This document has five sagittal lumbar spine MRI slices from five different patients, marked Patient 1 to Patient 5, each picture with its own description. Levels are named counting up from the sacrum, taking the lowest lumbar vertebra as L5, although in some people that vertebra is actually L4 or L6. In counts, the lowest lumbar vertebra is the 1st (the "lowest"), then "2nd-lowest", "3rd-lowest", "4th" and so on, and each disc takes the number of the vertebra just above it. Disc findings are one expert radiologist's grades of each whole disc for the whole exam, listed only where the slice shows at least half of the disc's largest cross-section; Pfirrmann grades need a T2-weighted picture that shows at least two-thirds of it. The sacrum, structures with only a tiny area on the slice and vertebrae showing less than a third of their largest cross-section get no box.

Patient 1 of 5:
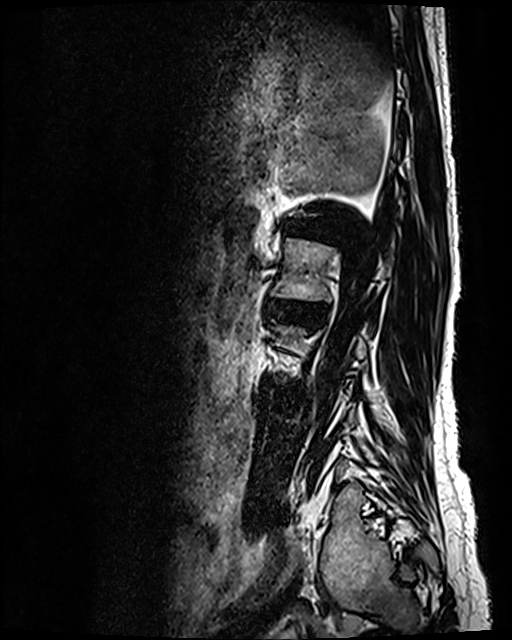 Sagittal T2 SPACE (3D) lumbar spine MRI | Sex F | Image 512x640
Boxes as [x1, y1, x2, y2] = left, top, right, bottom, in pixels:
L1/L2: [287, 222, 332, 239].
L2: [271, 238, 387, 300].
Disc L2/L3: [267, 299, 314, 319].

Per-level radiological findings:
- L1/L2: lower-endplate change, Modic type II, upper-endplate change, disc narrowing, disc bulging
- L2/L3: disc bulging, disc narrowing

Patient 2 of 5:
MRI lumbar spine (T2-weighted), sagittal plane; Slice spacing 4.4 mm

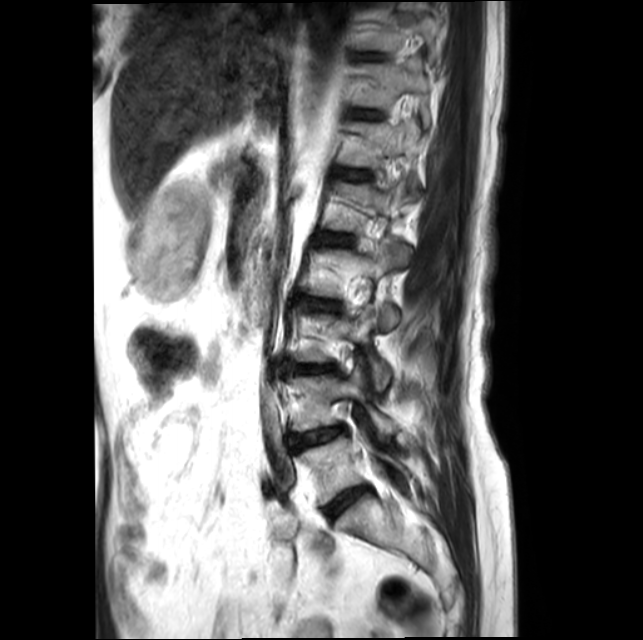
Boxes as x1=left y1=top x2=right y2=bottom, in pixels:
T12 at x1=343 y1=123 x2=420 y2=188, T11 vertebra at x1=355 y1=63 x2=430 y2=126, L1/L2 at x1=321 y1=233 x2=354 y2=244, IVD L5/S1 at x1=327 y1=487 x2=367 y2=516, L4 vertebra at x1=291 y1=364 x2=396 y2=436, L5 at x1=301 y1=431 x2=410 y2=505, IVD L3/L4 at x1=293 y1=365 x2=334 y2=373, IVD T12/L1 at x1=345 y1=170 x2=369 y2=178, T10 vertebra at x1=365 y1=10 x2=439 y2=59, L2/L3 at x1=312 y1=300 x2=337 y2=310, L1 vertebra at x1=322 y1=183 x2=406 y2=232, L4/L5 at x1=288 y1=427 x2=342 y2=447, L2 vertebra at x1=313 y1=239 x2=406 y2=327.

Per-level radiological findings:
• L4/L5: disc bulging, lower-endplate change, upper-endplate change, Modic type II

Patient 3 of 5:
Slice spacing 4.4 mm | Lumbar spine MR, T2-weighted, sagittal

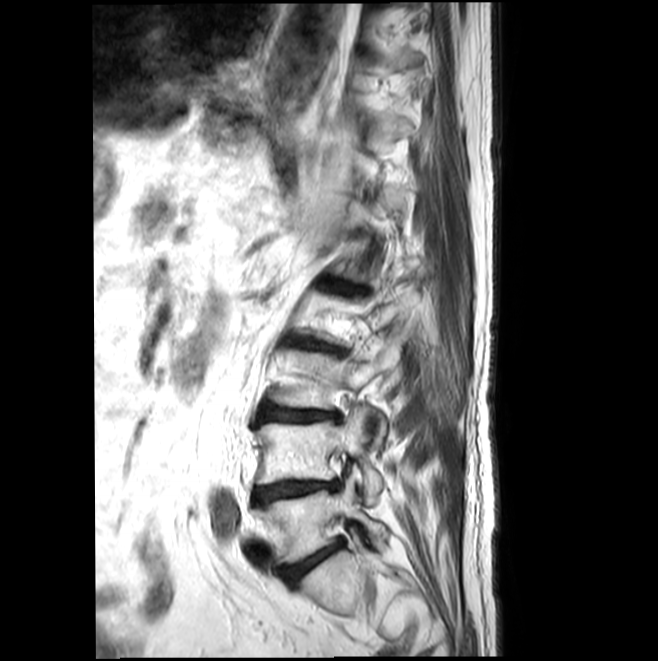 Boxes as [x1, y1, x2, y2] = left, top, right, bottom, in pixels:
{"disc L2/L3 (4th disc)": "[299, 344, 339, 353]", "L5/S1 (lowest disc)": "[283, 543, 341, 582]", "L1/L2 (5th disc)": "[320, 280, 365, 293]", "L4 (2nd-lowest vertebra)": "[256, 407, 382, 503]", "disc L4/L5 (2nd-lowest disc)": "[254, 481, 339, 506]", "disc L3/L4 (3rd-lowest disc)": "[258, 407, 339, 422]", "L5 (lowest vertebra)": "[258, 479, 387, 562]", "L3 (3rd-lowest vertebra)": "[275, 341, 399, 439]"}

Per-level radiological findings:
• L4/L5 (2nd-lowest disc): Pfirrmann grade 5, upper-endplate change, Modic type II, disc narrowing, lower-endplate change, disc bulging
• L3/L4 (3rd-lowest disc): Pfirrmann grade 3, lower-endplate change, disc bulging, upper-endplate change, Modic type II, disc narrowing

Patient 4 of 5:
Slice spacing 3.3 mm | MRI lumbar spine (T2-weighted), sagittal plane | Scanner: SIEMENS Avanto_fit (1.5T)
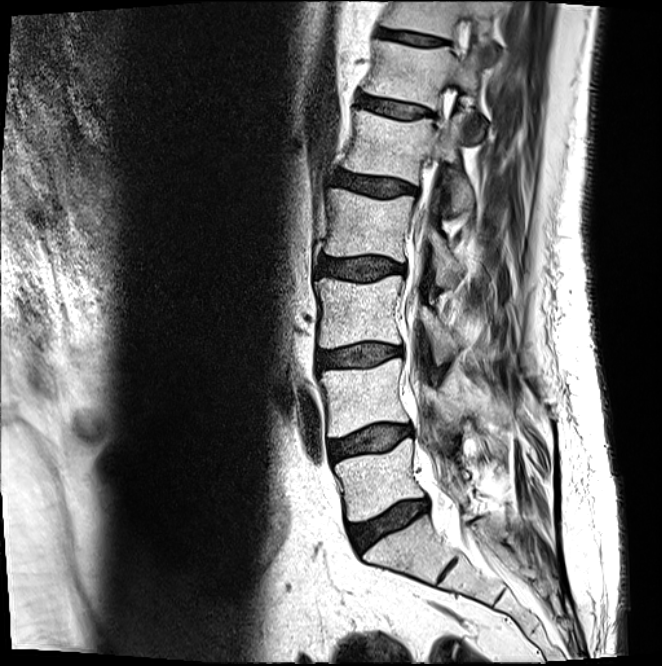

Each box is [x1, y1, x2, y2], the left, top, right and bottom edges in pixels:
{"intervertebral disc L4/L5": "[329, 424, 412, 460]", "L1 vertebra": "[344, 110, 474, 214]", "L2": "[325, 188, 462, 288]", "intervertebral disc T12/L1": "[361, 96, 431, 118]", "thecal sac / spinal canal": "[405, 196, 456, 482]", "L4 vertebra": "[321, 357, 511, 437]", "T11/T12": "[378, 29, 445, 45]", "L2/L3": "[318, 257, 404, 280]", "L5": "[335, 438, 470, 521]", "T12": "[365, 40, 483, 139]", "L3": "[316, 275, 492, 365]", "L1/L2": "[335, 172, 415, 195]", "T11": "[383, 1, 502, 54]", "intervertebral disc L5/S1": "[349, 499, 428, 551]", "intervertebral disc L3/L4": "[317, 344, 401, 367]"}

Radiological gradings:
- L2/L3: Pfirrmann grade 3, disc bulging
- T11/T12: Pfirrmann grade 3
- T12/L1: Pfirrmann grade 2
- L5/S1: Pfirrmann grade 3, disc narrowing, Modic type II, disc bulging
- L3/L4: Pfirrmann grade 2, Modic type II, disc bulging
- L1/L2: Pfirrmann grade 3, disc bulging
- L4/L5: Pfirrmann grade 2, disc bulging, Modic type II

Patient 5 of 5:
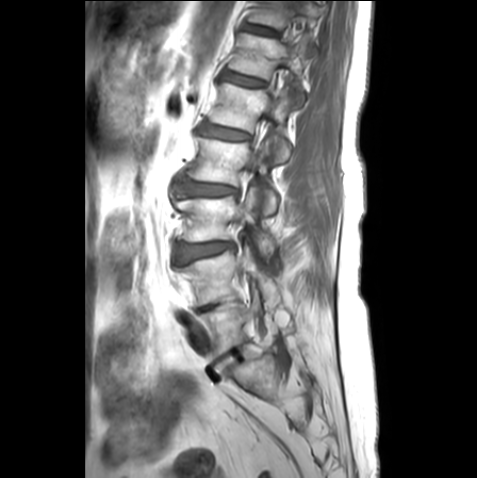 MRI lumbar spine (T1-weighted), sagittal plane, Field of view 280x281 mm, Slice 17/25, Image 477x478
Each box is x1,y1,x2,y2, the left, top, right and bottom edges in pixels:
{"L5 (lowest vertebra)": "197,283,265,358", "L1 (5th vertebra)": "210,83,291,161", "T12/L1 (6th disc)": "225,71,265,86", "T11 (7th vertebra)": "248,1,322,29", "T11/T12 (7th disc)": "244,24,277,34", "L3 (3rd-lowest vertebra)": "175,185,274,260", "IVD L5/S1 (lowest disc)": "209,350,245,378", "L4 (2nd-lowest vertebra)": "181,244,276,305", "T12 (6th vertebra)": "229,33,310,106", "L2 (4th vertebra)": "186,137,277,214", "IVD L1/L2 (5th disc)": "202,123,249,139", "IVD L3/L4 (3rd-lowest disc)": "177,242,233,262", "L2/L3 (4th disc)": "179,176,238,195"}

Expert MSK radiologist gradings (per disc):
  L1/L2 (5th disc): upper-endplate change, lower-endplate change
  L3/L4 (3rd-lowest disc): upper-endplate change, disc bulging, lower-endplate change, Modic type II
  L2/L3 (4th disc): upper-endplate change, lower-endplate change, disc bulging
  T11/T12 (7th disc), T12/L1 (6th disc), L5/S1 (lowest disc): no Modic or endplate change, herniation, narrowing, bulging or spondylolisthesis recorded